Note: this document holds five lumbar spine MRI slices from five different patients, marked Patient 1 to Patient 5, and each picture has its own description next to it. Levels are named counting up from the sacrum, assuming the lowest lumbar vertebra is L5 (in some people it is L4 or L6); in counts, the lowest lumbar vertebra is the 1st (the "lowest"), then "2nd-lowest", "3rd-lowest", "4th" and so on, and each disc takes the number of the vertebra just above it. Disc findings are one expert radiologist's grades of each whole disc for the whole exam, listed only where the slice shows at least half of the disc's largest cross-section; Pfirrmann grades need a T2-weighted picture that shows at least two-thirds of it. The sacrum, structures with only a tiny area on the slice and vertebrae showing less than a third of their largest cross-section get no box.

Patient 1 of 5:
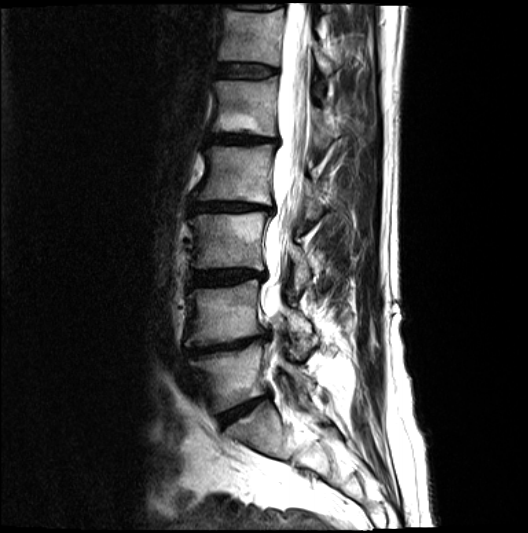 Slice spacing 4.8 mm. T2-weighted sagittal MRI of the lumbar spine. Sagittal slice index 10.
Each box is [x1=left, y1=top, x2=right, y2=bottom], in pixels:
* 2nd-lowest vertebra: [x1=184, y1=280, x2=312, y2=355]
* 5th vertebra: [x1=213, y1=78, x2=340, y2=151]
* spinal canal: [x1=260, y1=3, x2=310, y2=333]
* 4th disc: [x1=190, y1=201, x2=274, y2=213]
* lowest vertebra: [x1=190, y1=344, x2=314, y2=411]
* 2nd-lowest disc: [x1=188, y1=334, x2=266, y2=355]
* lowest disc: [x1=221, y1=396, x2=266, y2=425]
* 5th disc: [x1=209, y1=134, x2=281, y2=146]
* 4th vertebra: [x1=194, y1=147, x2=326, y2=216]
* 3rd-lowest vertebra: [x1=190, y1=214, x2=311, y2=290]
* 3rd-lowest disc: [x1=190, y1=270, x2=264, y2=285]
* 6th vertebra: [x1=219, y1=10, x2=336, y2=73]
* 6th disc: [x1=217, y1=65, x2=278, y2=78]

Expert MSK radiologist gradings (per disc):
• lowest disc: disc bulging, Modic type II, disc narrowing
• 3rd-lowest disc: Pfirrmann grade 4, Modic type II, disc narrowing, disc bulging
• 6th disc: Pfirrmann grade 3
• 5th disc: Pfirrmann grade 5, disc narrowing, lower-endplate change, Modic type II, upper-endplate change, disc bulging
• 2nd-lowest disc: Pfirrmann grade 5, upper-endplate change, Modic type II, disc narrowing, lower-endplate change, disc bulging
• 4th disc: Pfirrmann grade 5, disc narrowing, disc bulging, upper-endplate change, Modic type II, lower-endplate change

Patient 2 of 5:
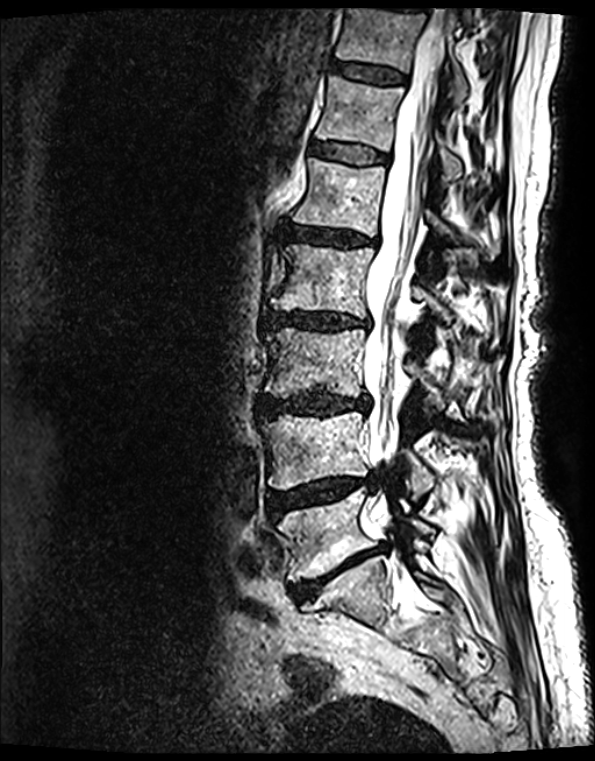
Sagittal slice index 73 | Sagittal T2 SPACE (3D) lumbar spine MRI | Sex F
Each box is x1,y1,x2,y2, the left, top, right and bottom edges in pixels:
T12/L1: 310,144,386,165 | L2 vertebra: 271,245,449,320 | spinal canal: 363,10,444,520 | disc L5/S1: 293,547,381,599 | L1/L2: 288,227,368,245 | L4: 263,411,433,497 | L3 vertebra: 265,328,437,403 | L4/L5: 267,478,373,516 | T11 vertebra: 336,10,466,106 | T12: 315,77,461,181 | disc L2/L3: 266,312,368,330 | L3/L4: 264,392,368,415 | L5 vertebra: 278,489,431,580 | L1: 293,159,491,253 | disc T11/T12: 332,63,405,85

Radiological gradings:
- L5/S1: disc bulging, lower-endplate change, Modic type II, disc narrowing, upper-endplate change
- L2/L3: Pfirrmann grade 4, lower-endplate change, disc narrowing, upper-endplate change, Modic type II, disc bulging
- T12/L1: Pfirrmann grade 2, lower-endplate change, upper-endplate change, Modic type II
- L4/L5: Pfirrmann grade 4, Modic type II, disc herniation, upper-endplate change, lower-endplate change, disc narrowing, disc bulging
- L1/L2: Pfirrmann grade 4, disc bulging, Modic type II, upper-endplate change, disc narrowing, lower-endplate change
- T11/T12: Pfirrmann grade 2, lower-endplate change, Modic type II, upper-endplate change
- L3/L4: Pfirrmann grade 4, disc narrowing, lower-endplate change, disc bulging, upper-endplate change, Modic type II

Patient 3 of 5:
384x391 px | Sagittal T2-weighted lumbar spine MRI | Patient sex: M 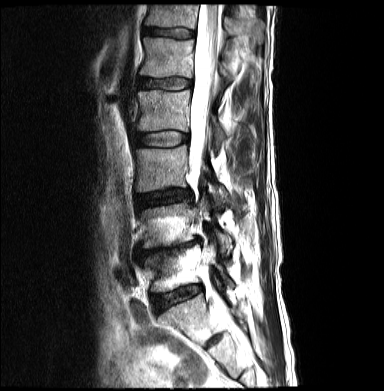 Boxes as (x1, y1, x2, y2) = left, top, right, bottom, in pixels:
L5 at (144, 245, 234, 291).
Disc L2/L3 at (136, 131, 188, 146).
Disc L5/S1 at (153, 286, 200, 312).
Disc T12/L1 at (143, 27, 193, 38).
T12 vertebra at (145, 5, 264, 43).
L4 at (139, 197, 232, 252).
Disc L1/L2 at (137, 77, 191, 89).
L3/L4 at (136, 189, 191, 208).
L3 vertebra at (135, 146, 227, 205).
Disc L4/L5 at (139, 239, 199, 258).
L2 vertebra at (137, 90, 226, 145).
L1 vertebra at (140, 38, 232, 82).
Thecal sac / spinal canal at (191, 5, 221, 169).

Degenerative findings by level:
  L5/S1: Pfirrmann grade 2, Modic type II
  T12/L1: Pfirrmann grade 3
  L1/L2: Pfirrmann grade 2
  L2/L3: Pfirrmann grade 2
  L3/L4: Pfirrmann grade 3, disc bulging, disc narrowing
  L4/L5: lower-endplate change, disc bulging, disc herniation, upper-endplate change, disc narrowing, Modic type II

Patient 4 of 5:
T2-weighted sagittal MRI of the lumbar spine, Sex F
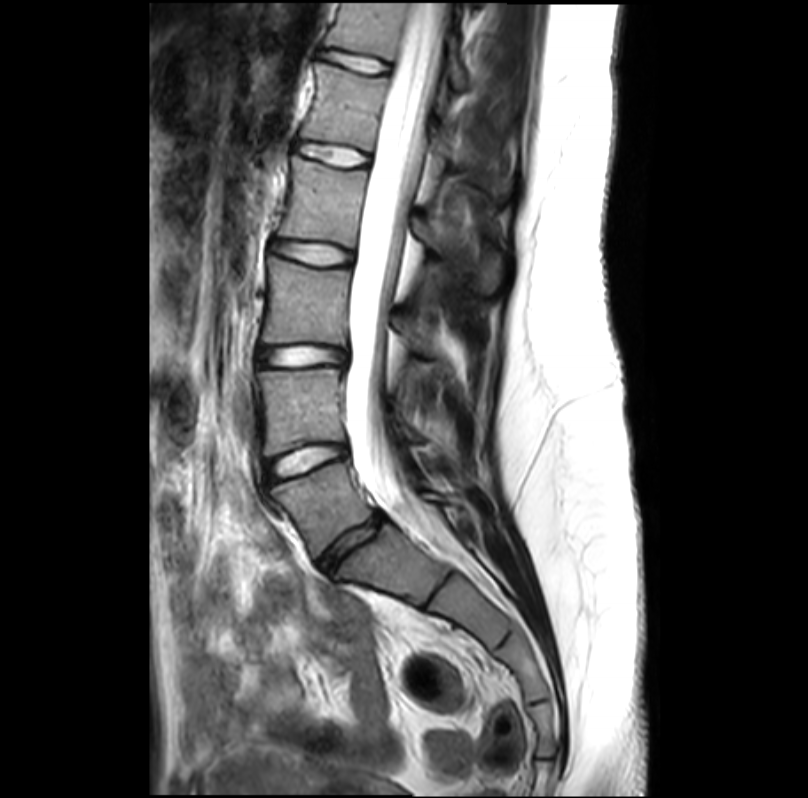 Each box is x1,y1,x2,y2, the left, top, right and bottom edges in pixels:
T12: 326,3,468,88 | L2 vertebra: 278,156,501,294 | thecal sac / spinal canal: 344,3,445,521 | L4/L5: 266,443,345,481 | L2/L3: 271,240,350,264 | intervertebral disc L1/L2: 299,143,367,166 | L4: 259,368,422,454 | L5/S1: 319,512,383,570 | intervertebral disc T12/L1: 321,51,388,73 | L3: 263,255,434,354 | L1: 300,63,499,190 | L3/L4: 259,346,344,366 | L5 vertebra: 269,463,451,557

Expert MSK radiologist gradings (per disc):
- L2/L3: Pfirrmann grade 1
- T12/L1: Pfirrmann grade 1
- L5/S1: Pfirrmann grade 3, disc narrowing
- L4/L5: Pfirrmann grade 1
- L3/L4: Pfirrmann grade 1, disc bulging
- L1/L2: Pfirrmann grade 1

Patient 5 of 5:
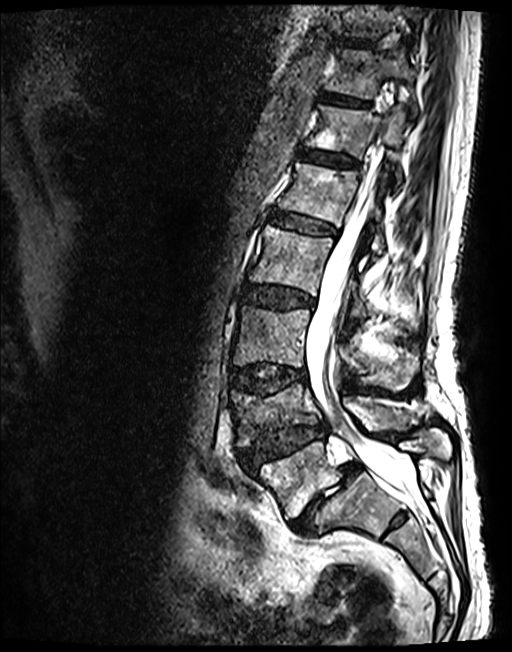 Image 512x652, T2 SPACE (3D) sagittal MRI of the lumbar spine
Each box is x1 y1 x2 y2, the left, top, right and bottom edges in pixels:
- 2nd-lowest disc: 239 424 325 468
- 6th vertebra: 306 105 406 182
- 2nd-lowest vertebra: 230 384 419 447
- 8th vertebra: 337 7 422 38
- 8th disc: 334 38 377 47
- thecal sac / spinal canal: 306 145 408 495
- 7th disc: 321 93 368 107
- 4th disc: 244 285 313 308
- 4th vertebra: 250 226 419 323
- 6th disc: 298 149 358 166
- 3rd-lowest vertebra: 233 306 416 388
- lowest vertebra: 253 429 452 519
- 5th vertebra: 277 163 383 253
- 5th disc: 269 212 336 235
- lowest disc: 291 462 360 535
- 3rd-lowest disc: 230 364 305 394
- 7th vertebra: 326 49 415 113

Expert MSK radiologist gradings (per disc):
- lowest disc: Pfirrmann grade 5, spondylolisthesis, disc narrowing, Modic type II, disc herniation
- 4th disc: Pfirrmann grade 3, disc bulging
- 6th disc: Pfirrmann grade 3
- 5th disc: Pfirrmann grade 3
- 2nd-lowest disc: Pfirrmann grade 3, upper-endplate change, spondylolisthesis, lower-endplate change, disc narrowing, disc herniation
- 3rd-lowest disc: Pfirrmann grade 3, disc bulging, lower-endplate change, upper-endplate change
- 7th disc: no spondylolisthesis, narrowing, bulging, herniation, Modic or endplate change recorded